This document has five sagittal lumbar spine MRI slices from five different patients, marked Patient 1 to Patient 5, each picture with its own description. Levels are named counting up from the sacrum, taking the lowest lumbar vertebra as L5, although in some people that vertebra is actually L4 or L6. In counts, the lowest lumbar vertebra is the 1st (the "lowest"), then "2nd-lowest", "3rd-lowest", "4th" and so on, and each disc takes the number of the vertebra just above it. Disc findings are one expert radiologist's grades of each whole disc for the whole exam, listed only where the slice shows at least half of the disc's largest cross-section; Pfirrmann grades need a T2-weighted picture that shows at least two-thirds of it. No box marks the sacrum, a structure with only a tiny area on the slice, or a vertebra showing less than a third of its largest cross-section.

Patient 1 of 5:
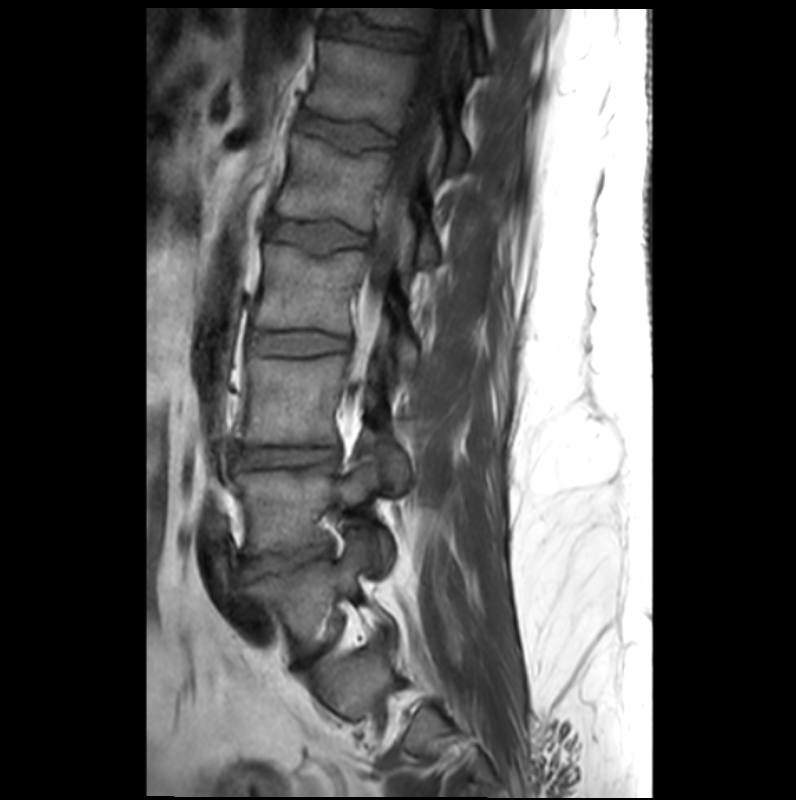
Slice 21/33; Lumbar spine MR, T1-weighted, sagittal; Sex M

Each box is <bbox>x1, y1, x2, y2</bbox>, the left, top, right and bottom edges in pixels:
L4: <bbox>234, 455, 395, 575</bbox>.
T11: <bbox>329, 8, 486, 70</bbox>.
T12 vertebra: <bbox>304, 38, 470, 171</bbox>.
L1 vertebra: <bbox>277, 134, 436, 264</bbox>.
L2/L3: <bbox>250, 332, 348, 357</bbox>.
L5/S1: <bbox>299, 649, 324, 666</bbox>.
L5 vertebra: <bbox>246, 537, 396, 654</bbox>.
L2 vertebra: <bbox>253, 242, 410, 334</bbox>.
T11/T12: <bbox>324, 20, 416, 50</bbox>.
T12/L1: <bbox>298, 113, 392, 153</bbox>.
L4/L5: <bbox>246, 542, 330, 575</bbox>.
Intervertebral disc L1/L2: <bbox>266, 219, 366, 254</bbox>.
L3: <bbox>235, 352, 407, 488</bbox>.
L3/L4: <bbox>234, 446, 338, 466</bbox>.
Thecal sac / spinal canal: <bbox>368, 19, 458, 305</bbox>.

Per-level radiological findings:
  T12/L1: lower-endplate change, upper-endplate change
  L1/L2: lower-endplate change, upper-endplate change
  T11/T12: lower-endplate change
  L4/L5: upper-endplate change, spondylolisthesis, disc herniation, disc narrowing, Modic type III, lower-endplate change
  L3/L4, L2/L3: no herniation, bulging, narrowing, spondylolisthesis, endplate or Modic change recorded

Patient 2 of 5:
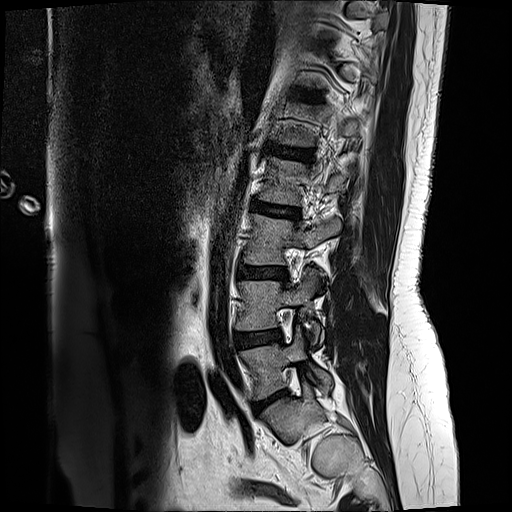 Sex F, T2-weighted sagittal MRI of the lumbar spine
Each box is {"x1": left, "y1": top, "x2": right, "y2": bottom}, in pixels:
L4 vertebra: {"x1": 238, "y1": 269, "x2": 319, "y2": 341}
IVD L4/L5: {"x1": 234, "y1": 331, "x2": 281, "y2": 347}
IVD L1/L2: {"x1": 266, "y1": 144, "x2": 313, "y2": 160}
IVD T12/L1: {"x1": 305, "y1": 94, "x2": 317, "y2": 101}
L3 vertebra: {"x1": 246, "y1": 215, "x2": 341, "y2": 264}
IVD L5/S1: {"x1": 253, "y1": 391, "x2": 284, "y2": 410}
IVD L3/L4: {"x1": 239, "y1": 265, "x2": 285, "y2": 279}
L2: {"x1": 260, "y1": 158, "x2": 352, "y2": 204}
IVD L2/L3: {"x1": 252, "y1": 201, "x2": 297, "y2": 219}
L5: {"x1": 242, "y1": 326, "x2": 332, "y2": 398}

Expert MSK radiologist gradings (per disc):
  L2/L3: Pfirrmann grade 4, lower-endplate change, upper-endplate change, disc bulging
  L1/L2: Pfirrmann grade 2, lower-endplate change, upper-endplate change
  L3/L4: disc bulging
  L4/L5: disc bulging

Patient 3 of 5:
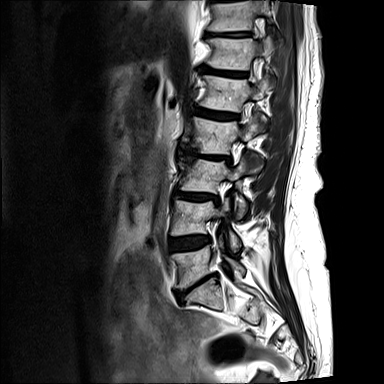 Lumbar spine MR, T2-weighted, sagittal
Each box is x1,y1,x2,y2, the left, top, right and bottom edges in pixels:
{"T11 (7th vertebra)": "208,0,275,31", "disc T12/L1 (6th disc)": "201,65,247,77", "L4/L5 (2nd-lowest disc)": "169,236,210,251", "L3/L4 (3rd-lowest disc)": "174,191,219,203", "L5 (lowest vertebra)": "172,236,244,289", "T11/T12 (7th disc)": "206,31,251,37", "L4 (2nd-lowest vertebra)": "171,198,240,251", "disc L1/L2 (5th disc)": "195,107,239,120", "L3 (3rd-lowest vertebra)": "178,156,247,218", "L1 (5th vertebra)": "200,73,275,112", "L2/L3 (4th disc)": "178,149,231,163", "T12 (6th vertebra)": "206,34,281,70", "L2 (4th vertebra)": "182,115,266,173", "L5/S1 (lowest disc)": "176,274,216,302"}

Expert MSK radiologist gradings (per disc):
• L2/L3 (4th disc): Pfirrmann grade 5, upper-endplate change, lower-endplate change, disc narrowing, Modic type III, disc bulging
• T11/T12 (7th disc): Pfirrmann grade 3, upper-endplate change, disc narrowing, Modic type II, lower-endplate change, disc bulging
• L4/L5 (2nd-lowest disc): Pfirrmann grade 3, upper-endplate change, Modic type II, disc bulging, lower-endplate change
• L5/S1 (lowest disc): disc narrowing, disc bulging, upper-endplate change, Modic type II, lower-endplate change
• L3/L4 (3rd-lowest disc): Pfirrmann grade 4, lower-endplate change, upper-endplate change, Modic type II, disc narrowing, disc bulging
• L1/L2 (5th disc): Pfirrmann grade 3, upper-endplate change, lower-endplate change, Modic type II, disc bulging
• T12/L1 (6th disc): Pfirrmann grade 3, lower-endplate change, Modic type III, upper-endplate change, disc narrowing, disc bulging

Patient 4 of 5:
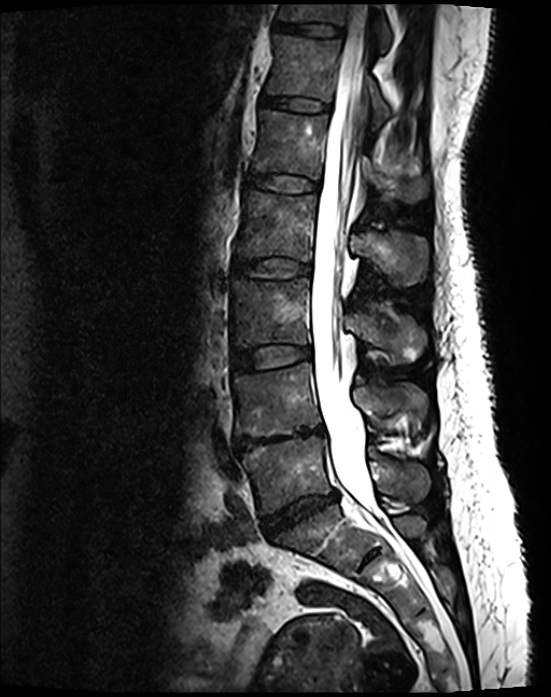 MRI lumbar spine (T2 SPACE (3D)), sagittal plane
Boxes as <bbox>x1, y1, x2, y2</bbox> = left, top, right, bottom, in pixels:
{"T11": "<bbox>279, 3, 391, 52</bbox>", "T12/L1": "<bbox>259, 96, 329, 110</bbox>", "L3/L4": "<bbox>233, 345, 310, 371</bbox>", "L1 vertebra": "<bbox>253, 110, 427, 202</bbox>", "L5 vertebra": "<bbox>242, 435, 426, 513</bbox>", "L4": "<bbox>234, 363, 426, 437</bbox>", "L1/L2": "<bbox>247, 173, 319, 192</bbox>", "L2/L3": "<bbox>234, 258, 310, 278</bbox>", "T12 vertebra": "<bbox>266, 35, 389, 131</bbox>", "L3": "<bbox>231, 279, 422, 364</bbox>", "L5/S1": "<bbox>263, 492, 337, 535</bbox>", "L2 vertebra": "<bbox>236, 191, 423, 285</bbox>", "T11/T12": "<bbox>276, 22, 341, 35</bbox>", "spinal canal": "<bbox>310, 5, 373, 509</bbox>", "L4/L5": "<bbox>235, 427, 323, 451</bbox>"}

Radiological gradings:
• L2/L3: Pfirrmann grade 2
• L4/L5: Pfirrmann grade 5, upper-endplate change, lower-endplate change, disc bulging, Modic type II, disc narrowing
• L5/S1: Pfirrmann grade 4, disc narrowing, disc bulging
• T11/T12: Pfirrmann grade 2
• L1/L2: Pfirrmann grade 2
• T12/L1: Pfirrmann grade 2
• L3/L4: Pfirrmann grade 2

Patient 5 of 5:
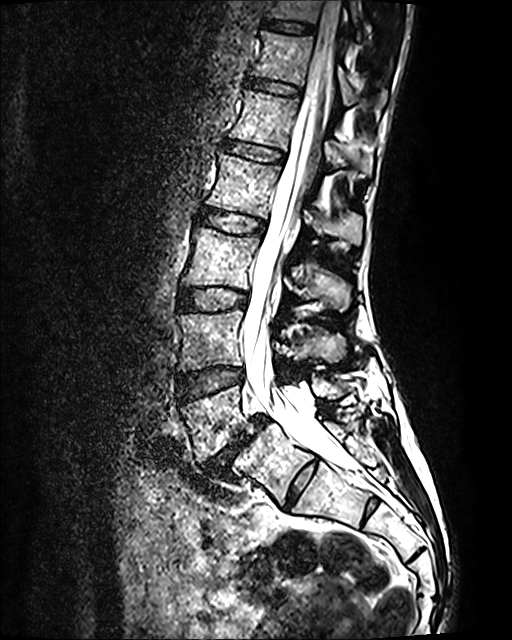 Sagittal slice index 65, MRI lumbar spine (T2 SPACE (3D)), sagittal plane

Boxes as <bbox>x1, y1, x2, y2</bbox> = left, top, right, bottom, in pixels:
5th vertebra: <bbox>229, 89, 373, 175</bbox>.
5th disc: <bbox>225, 141, 283, 162</bbox>.
6th disc: <bbox>247, 78, 299, 94</bbox>.
2nd-lowest disc: <bbox>177, 367, 243, 402</bbox>.
4th vertebra: <bbox>206, 154, 363, 246</bbox>.
7th vertebra: <bbox>268, 0, 358, 36</bbox>.
Spinal canal: <bbox>242, 0, 352, 470</bbox>.
4th disc: <bbox>198, 209, 264, 233</bbox>.
7th disc: <bbox>264, 20, 314, 32</bbox>.
Lowest vertebra: <bbox>180, 374, 361, 462</bbox>.
3rd-lowest disc: <bbox>179, 288, 247, 310</bbox>.
Lowest disc: <bbox>201, 416, 269, 477</bbox>.
3rd-lowest vertebra: <bbox>183, 228, 350, 310</bbox>.
2nd-lowest vertebra: <bbox>178, 310, 341, 371</bbox>.
6th vertebra: <bbox>252, 31, 387, 107</bbox>.

Radiological gradings:
- 5th disc: Pfirrmann grade 2
- 3rd-lowest disc: Pfirrmann grade 2
- 2nd-lowest disc: Pfirrmann grade 2
- 4th disc: Pfirrmann grade 2
- 7th disc: Pfirrmann grade 2
- lowest disc: Pfirrmann grade 5, spondylolisthesis, Modic type II, disc narrowing, disc bulging
- 6th disc: Pfirrmann grade 2